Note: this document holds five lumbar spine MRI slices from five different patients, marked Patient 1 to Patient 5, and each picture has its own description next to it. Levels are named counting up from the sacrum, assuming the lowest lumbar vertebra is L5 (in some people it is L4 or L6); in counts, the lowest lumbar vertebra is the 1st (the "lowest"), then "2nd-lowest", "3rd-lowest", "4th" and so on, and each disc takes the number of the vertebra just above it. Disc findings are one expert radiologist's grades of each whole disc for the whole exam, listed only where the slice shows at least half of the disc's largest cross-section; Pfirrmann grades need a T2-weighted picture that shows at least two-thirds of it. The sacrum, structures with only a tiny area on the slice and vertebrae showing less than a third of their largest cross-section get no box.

Patient 1 of 5:
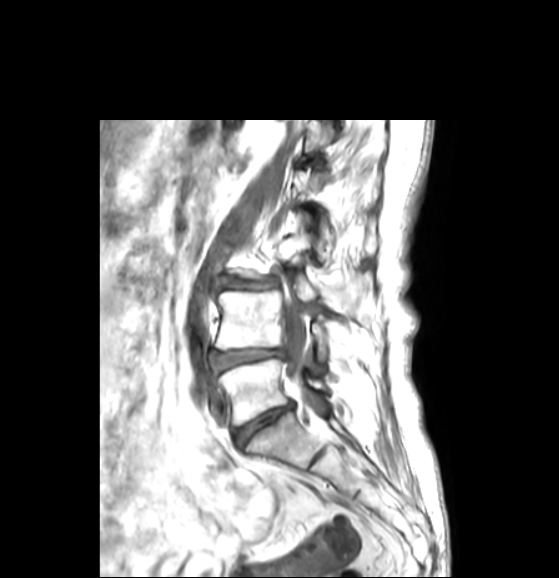 MRI lumbar spine (T1-weighted), sagittal plane. Sagittal slice index 21. Field of view 280x289 mm. Image 559x578. Patient sex: F.
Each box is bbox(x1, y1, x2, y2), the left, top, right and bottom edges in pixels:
L4: bbox(216, 290, 327, 359)
thecal sac / spinal canal: bbox(282, 296, 309, 396)
disc L3/L4: bbox(222, 278, 274, 288)
disc L4/L5: bbox(213, 349, 284, 370)
disc L5/S1: bbox(235, 404, 291, 443)
L5: bbox(218, 359, 327, 425)
L3 vertebra: bbox(236, 217, 372, 314)

Degenerative findings by level:
  L4/L5: disc bulging
  L3/L4: disc bulging, disc narrowing
  L5/S1: disc narrowing, disc bulging

Patient 2 of 5:
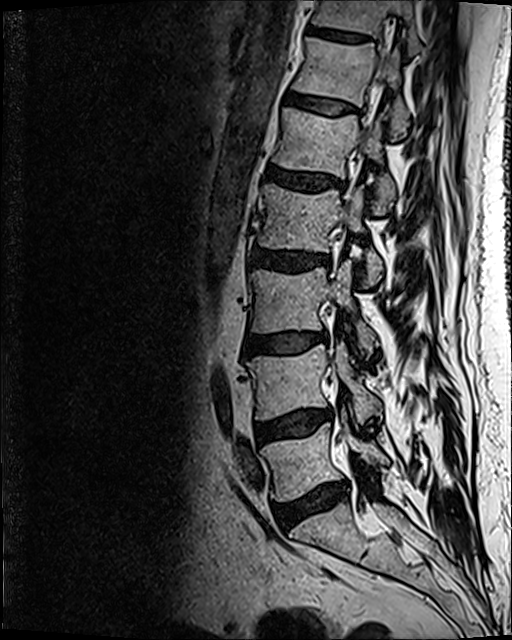 Field of view 240x300 mm, slice spacing 0.9 mm, Lumbar spine MR, T2 SPACE (3D), sagittal, Slice 48/120, 512x640 px

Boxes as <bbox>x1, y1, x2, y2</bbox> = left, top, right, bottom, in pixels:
L4 vertebra = <bbox>246, 342, 381, 422</bbox>.
L4/L5 = <bbox>256, 410, 331, 443</bbox>.
L1 = <bbox>272, 108, 395, 213</bbox>.
T12 vertebra = <bbox>292, 37, 409, 138</bbox>.
Intervertebral disc L2/L3 = <bbox>251, 250, 327, 270</bbox>.
Intervertebral disc L5/S1 = <bbox>274, 485, 347, 527</bbox>.
L2 = <bbox>258, 184, 382, 286</bbox>.
T11 vertebra = <bbox>313, 0, 419, 53</bbox>.
L3/L4 = <bbox>242, 332, 320, 355</bbox>.
T11/T12 = <bbox>307, 24, 372, 42</bbox>.
L5 = <bbox>260, 415, 389, 501</bbox>.
L1/L2 = <bbox>266, 166, 343, 192</bbox>.
Intervertebral disc T12/L1 = <bbox>287, 92, 357, 114</bbox>.
L3 = <bbox>250, 261, 375, 355</bbox>.

Radiological gradings:
  L1/L2: Pfirrmann grade 3, disc bulging
  L4/L5: Pfirrmann grade 2, Modic type II, disc bulging
  T11/T12: Pfirrmann grade 3
  T12/L1: Pfirrmann grade 2
  L5/S1: Pfirrmann grade 3, disc narrowing, Modic type II, disc bulging
  L2/L3: Pfirrmann grade 3, disc bulging
  L3/L4: Pfirrmann grade 2, Modic type II, disc bulging

Patient 3 of 5:
Lumbar spine MR, T2-weighted, sagittal; Sagittal slice index 8; 448x449 px

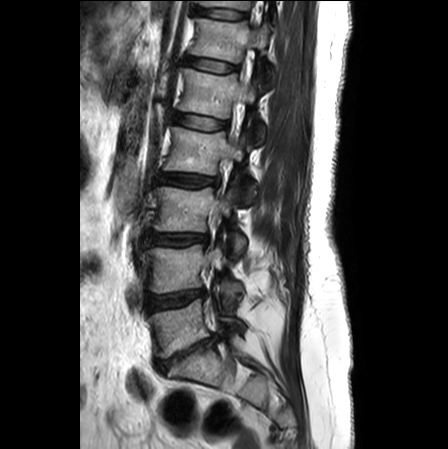
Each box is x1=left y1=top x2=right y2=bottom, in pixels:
L5 (lowest vertebra) at x1=149 y1=299 x2=244 y2=358, L1 (5th vertebra) at x1=180 y1=69 x2=264 y2=144, T12 (6th vertebra) at x1=192 y1=18 x2=274 y2=85, disc L3/L4 (3rd-lowest disc) at x1=148 y1=234 x2=207 y2=245, L4 (2nd-lowest vertebra) at x1=146 y1=245 x2=242 y2=303, L3 (3rd-lowest vertebra) at x1=155 y1=186 x2=246 y2=256, L2 (4th vertebra) at x1=165 y1=127 x2=255 y2=202, T11 (7th vertebra) at x1=200 y1=1 x2=250 y2=9, L4/L5 (2nd-lowest disc) at x1=148 y1=290 x2=204 y2=310, L5/S1 (lowest disc) at x1=157 y1=335 x2=216 y2=370, disc T12/L1 (6th disc) at x1=187 y1=58 x2=236 y2=72, disc L1/L2 (5th disc) at x1=175 y1=115 x2=225 y2=130, L2/L3 (4th disc) at x1=160 y1=174 x2=217 y2=186, disc T11/T12 (7th disc) at x1=198 y1=8 x2=244 y2=18.

Expert MSK radiologist gradings (per disc):
• T12/L1 (6th disc): Pfirrmann grade 1
• T11/T12 (7th disc): Pfirrmann grade 1
• L1/L2 (5th disc): Pfirrmann grade 1
• L5/S1 (lowest disc): lower-endplate change, upper-endplate change, disc herniation, Modic type II, disc narrowing
• L3/L4 (3rd-lowest disc): Pfirrmann grade 3, disc bulging
• L2/L3 (4th disc): Pfirrmann grade 2, disc bulging
• L4/L5 (2nd-lowest disc): Pfirrmann grade 4, disc narrowing, disc bulging

Patient 4 of 5:
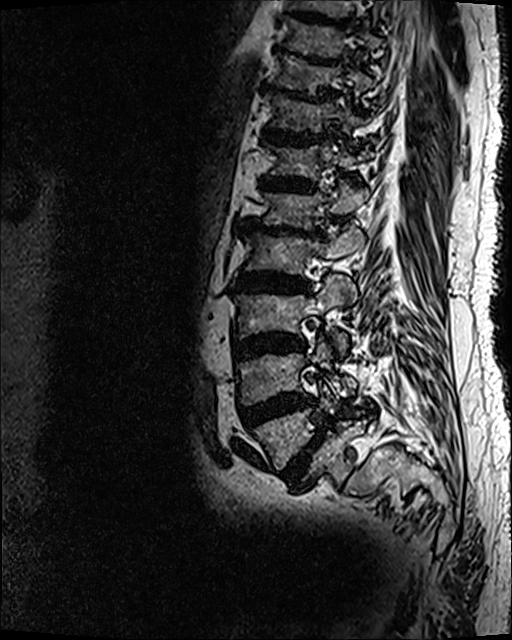

Sagittal T2 SPACE (3D) lumbar spine MRI. Sagittal slice index 45. Field of view 240x300 mm.

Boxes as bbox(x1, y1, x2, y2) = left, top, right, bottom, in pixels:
L2 vertebra at bbox(244, 225, 364, 277); T11 at bbox(266, 92, 370, 132); L4 at bbox(236, 335, 356, 405); L3 at bbox(233, 274, 355, 355); T12 at bbox(267, 141, 373, 182); T9/T10 at bbox(271, 44, 341, 65); L5 at bbox(252, 378, 365, 470); intervertebral disc T10/T11 at bbox(262, 83, 331, 102); intervertebral disc L2/L3 at bbox(237, 272, 309, 293); intervertebral disc T12/L1 at bbox(259, 176, 316, 193); L3/L4 at bbox(234, 333, 305, 361); L1 at bbox(261, 182, 367, 229); intervertebral disc L5/S1 at bbox(281, 427, 325, 487); intervertebral disc L1/L2 at bbox(240, 218, 324, 237); T10 vertebra at bbox(275, 55, 373, 100); intervertebral disc T11/T12 at bbox(262, 127, 324, 145); L4/L5 at bbox(240, 392, 315, 429).

Per-level radiological findings:
  L5/S1: Pfirrmann grade 5, spondylolisthesis, disc bulging, upper-endplate change, disc narrowing, Modic type II, lower-endplate change
  L1/L2: Pfirrmann grade 5, disc bulging, disc narrowing, Modic type II, lower-endplate change, upper-endplate change
  T12/L1: Pfirrmann grade 5, Modic type II, lower-endplate change, upper-endplate change, disc narrowing, disc bulging
  L3/L4: Pfirrmann grade 5, disc narrowing, Modic type II, lower-endplate change, upper-endplate change, disc bulging
  T10/T11: disc bulging, Modic type II, upper-endplate change, disc narrowing, lower-endplate change
  L2/L3: Pfirrmann grade 5, lower-endplate change, disc narrowing, disc bulging, Modic type II, upper-endplate change
  L4/L5: Pfirrmann grade 5, lower-endplate change, upper-endplate change, disc narrowing, disc bulging, Modic type II
  T11/T12: Pfirrmann grade 5, disc bulging, Modic type II, disc narrowing, upper-endplate change, lower-endplate change

Patient 5 of 5:
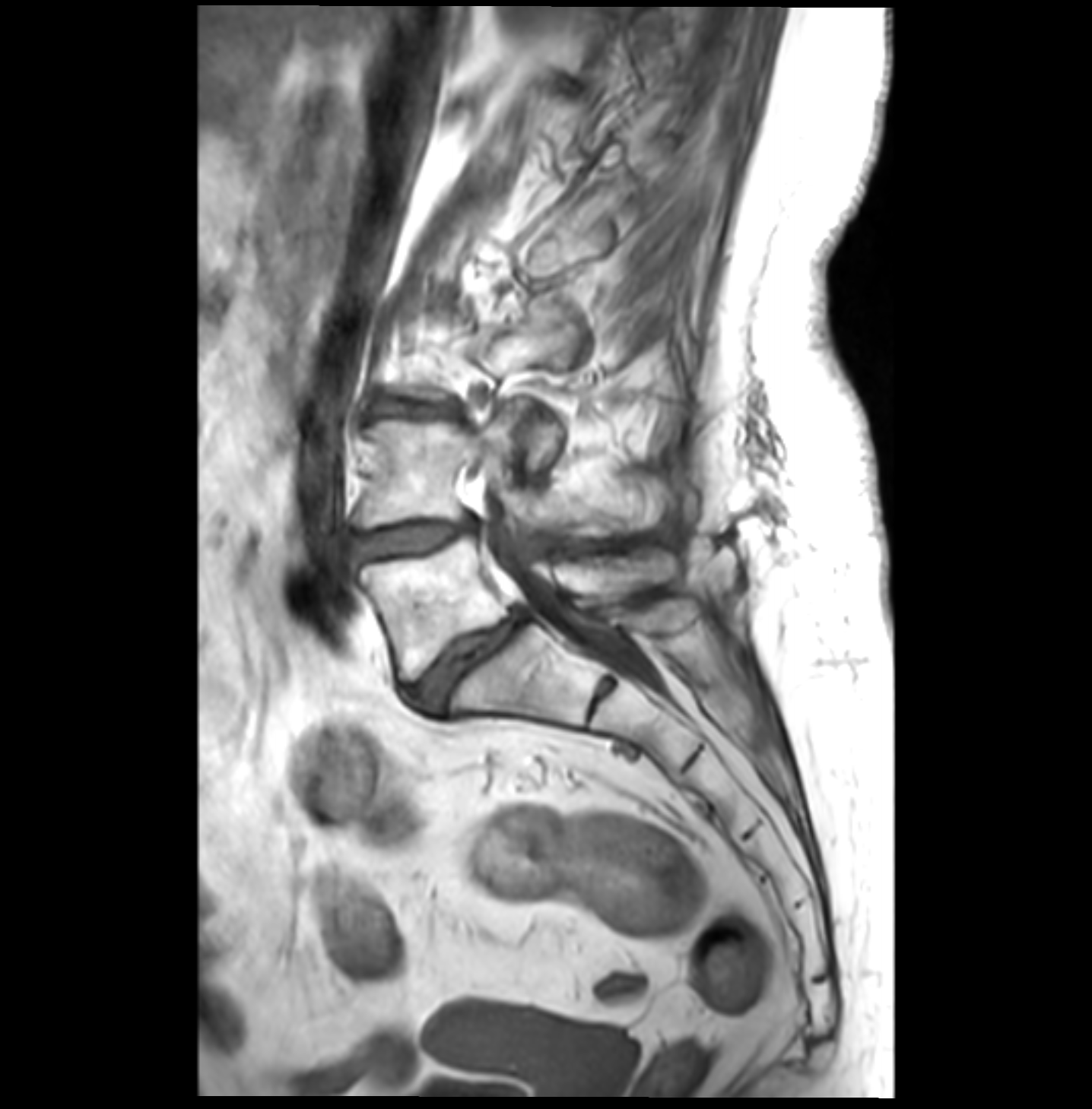

MRI lumbar spine (T1-weighted), sagittal plane

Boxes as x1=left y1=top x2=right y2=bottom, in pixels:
L4 vertebra — x1=354 y1=407 x2=654 y2=528.
L5/S1 — x1=409 y1=608 x2=526 y2=710.
Intervertebral disc L3/L4 — x1=378 y1=398 x2=449 y2=415.
L5 — x1=362 y1=534 x2=678 y2=678.
Intervertebral disc L4/L5 — x1=348 y1=521 x2=473 y2=567.
Thecal sac / spinal canal — x1=490 y1=528 x2=666 y2=695.

Expert MSK radiologist gradings (per disc):
  L5/S1: disc narrowing, disc bulging, spondylolisthesis, Modic type II
  L4/L5: Modic type II, disc bulging, disc narrowing